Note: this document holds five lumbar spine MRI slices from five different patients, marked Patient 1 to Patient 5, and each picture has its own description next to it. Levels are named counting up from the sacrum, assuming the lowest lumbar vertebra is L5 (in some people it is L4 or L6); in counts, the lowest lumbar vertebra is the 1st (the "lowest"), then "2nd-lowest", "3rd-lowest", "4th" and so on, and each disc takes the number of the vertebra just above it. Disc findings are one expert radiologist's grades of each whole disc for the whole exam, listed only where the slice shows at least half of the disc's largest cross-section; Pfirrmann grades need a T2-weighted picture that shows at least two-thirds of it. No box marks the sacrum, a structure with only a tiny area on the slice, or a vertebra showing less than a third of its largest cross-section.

Patient 1 of 5:
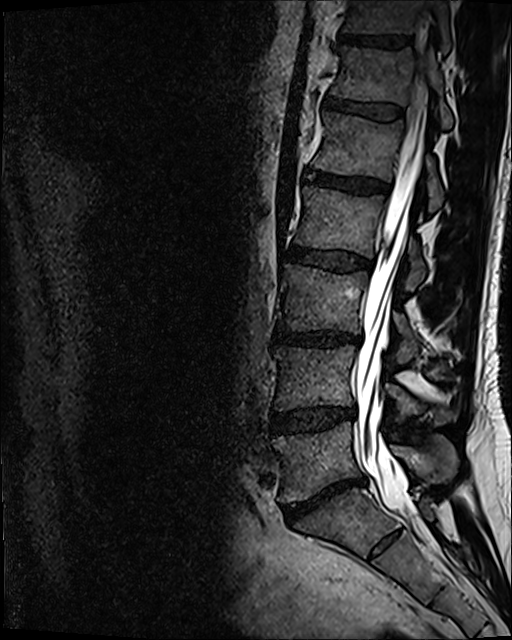

Slice 72 of 120, T2 SPACE (3D) sagittal MRI of the lumbar spine

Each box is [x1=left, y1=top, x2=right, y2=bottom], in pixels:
5th disc at [x1=305, y1=168, x2=390, y2=193], lowest disc at [x1=283, y1=476, x2=365, y2=522], 6th disc at [x1=325, y1=97, x2=404, y2=119], 7th vertebra at [x1=342, y1=0, x2=452, y2=53], 3rd-lowest vertebra at [x1=281, y1=264, x2=417, y2=363], 2nd-lowest vertebra at [x1=273, y1=346, x2=458, y2=423], lowest vertebra at [x1=272, y1=422, x2=457, y2=504], 3rd-lowest disc at [x1=273, y1=331, x2=361, y2=346], 5th vertebra at [x1=313, y1=112, x2=443, y2=212], 6th vertebra at [x1=332, y1=46, x2=453, y2=129], 4th vertebra at [x1=294, y1=187, x2=425, y2=290], 4th disc at [x1=289, y1=247, x2=373, y2=271], 7th disc at [x1=341, y1=33, x2=409, y2=48], 2nd-lowest disc at [x1=270, y1=408, x2=355, y2=432], thecal sac / spinal canal at [x1=356, y1=78, x2=428, y2=538].

Radiological gradings:
- 2nd-lowest disc: Pfirrmann grade 3, disc bulging, disc narrowing
- 7th disc: Pfirrmann grade 4
- lowest disc: Pfirrmann grade 5, disc bulging, Modic type II, disc narrowing
- 4th disc: Pfirrmann grade 3, disc bulging
- 3rd-lowest disc: Pfirrmann grade 4, disc narrowing, disc bulging, lower-endplate change
- 6th disc: Pfirrmann grade 3
- 5th disc: Pfirrmann grade 4

Patient 2 of 5:
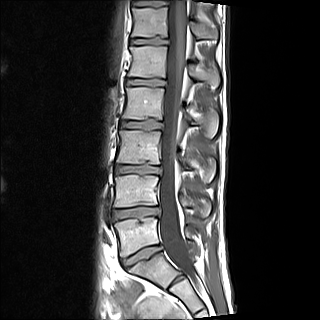 Sex M; Sagittal T1-weighted lumbar spine MRI; Slice 8/15; Slice spacing 4.8 mm; Image 320x320
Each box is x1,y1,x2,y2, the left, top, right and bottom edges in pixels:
{"lowest vertebra": "114,217,190,256", "7th vertebra": "138,0,194,4", "3rd-lowest vertebra": "116,130,215,181", "4th disc": "120,121,162,129", "3rd-lowest disc": "115,165,160,173", "6th vertebra": "131,7,217,38", "7th disc": "135,3,161,5", "6th disc": "130,39,168,44", "4th vertebra": "122,87,218,137", "2nd-lowest disc": "113,207,158,219", "5th vertebra": "128,46,219,86", "lowest disc": "122,245,161,268", "thecal sac / spinal canal": "159,0,198,288", "2nd-lowest vertebra": "114,175,211,216", "5th disc": "127,79,165,86"}

Degenerative findings by level:
- 2nd-lowest disc: lower-endplate change, disc bulging, upper-endplate change
- 4th disc: lower-endplate change
- 3rd-lowest disc: lower-endplate change, disc narrowing, upper-endplate change
- 6th disc: lower-endplate change, upper-endplate change
- 7th disc: upper-endplate change
- lowest disc: upper-endplate change
- 5th disc: no herniation, bulging, narrowing, spondylolisthesis, endplate or Modic change recorded

Patient 3 of 5:
T1-weighted sagittal MRI of the lumbar spine | Field of view 280x280 mm 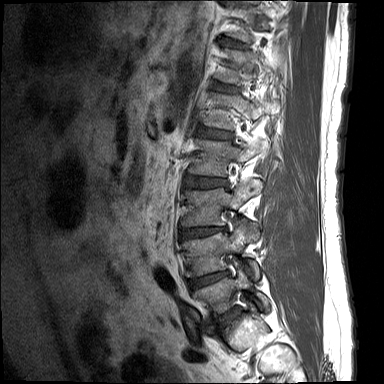
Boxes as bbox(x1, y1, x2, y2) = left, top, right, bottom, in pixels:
{"T11/T12": "bbox(221, 39, 247, 48)", "T12/L1": "bbox(213, 82, 237, 91)", "intervertebral disc L5/S1": "bbox(214, 308, 237, 322)", "L3": "bbox(182, 179, 260, 226)", "L5 vertebra": "bbox(192, 265, 270, 316)", "intervertebral disc L3/L4": "bbox(179, 227, 227, 240)", "L1 vertebra": "bbox(202, 93, 279, 130)", "L2": "bbox(188, 138, 268, 176)", "T12 vertebra": "bbox(215, 49, 283, 85)", "L4 vertebra": "bbox(183, 219, 259, 279)", "intervertebral disc L2/L3": "bbox(185, 176, 228, 187)", "intervertebral disc L1/L2": "bbox(197, 127, 233, 140)", "intervertebral disc L4/L5": "bbox(187, 271, 228, 289)"}

Degenerative findings by level:
  L4/L5: lower-endplate change, disc narrowing, Modic type II, disc bulging, upper-endplate change
  L3/L4: disc bulging, lower-endplate change, disc narrowing, upper-endplate change
  L1/L2: disc bulging, upper-endplate change
  L2/L3: disc bulging
  T12/L1, T11/T12: no spondylolisthesis, narrowing, bulging, herniation, Modic or endplate change recorded

Patient 4 of 5:
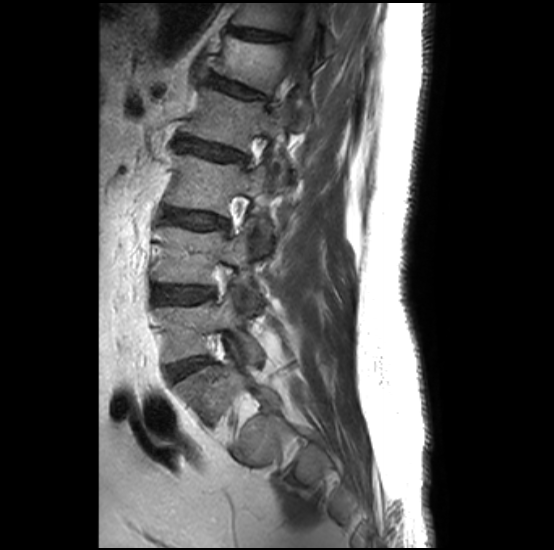 Sagittal T2-weighted lumbar spine MRI, Slice 22/32
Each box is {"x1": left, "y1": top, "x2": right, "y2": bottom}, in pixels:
6th disc: {"x1": 227, "y1": 26, "x2": 289, "y2": 41}
3rd-lowest vertebra: {"x1": 165, "y1": 153, "x2": 271, "y2": 251}
2nd-lowest disc: {"x1": 156, "y1": 286, "x2": 213, "y2": 303}
6th vertebra: {"x1": 232, "y1": 3, "x2": 334, "y2": 55}
4th disc: {"x1": 177, "y1": 137, "x2": 247, "y2": 160}
5th vertebra: {"x1": 214, "y1": 34, "x2": 312, "y2": 125}
lowest vertebra: {"x1": 156, "y1": 288, "x2": 261, "y2": 362}
3rd-lowest disc: {"x1": 167, "y1": 209, "x2": 227, "y2": 229}
lowest disc: {"x1": 168, "y1": 359, "x2": 206, "y2": 381}
4th vertebra: {"x1": 181, "y1": 87, "x2": 289, "y2": 183}
spinal canal: {"x1": 290, "y1": 12, "x2": 312, "y2": 71}
5th disc: {"x1": 209, "y1": 74, "x2": 268, "y2": 99}
2nd-lowest vertebra: {"x1": 157, "y1": 221, "x2": 260, "y2": 314}

Radiological gradings:
  5th disc: lower-endplate change, Modic type II, upper-endplate change
  3rd-lowest disc: Pfirrmann grade 2, lower-endplate change, Modic type II, upper-endplate change
  4th disc: Pfirrmann grade 2, upper-endplate change, lower-endplate change, Modic type II
  2nd-lowest disc: lower-endplate change, upper-endplate change, Modic type II
  6th disc: Pfirrmann grade 2, spondylolisthesis, upper-endplate change

Patient 5 of 5:
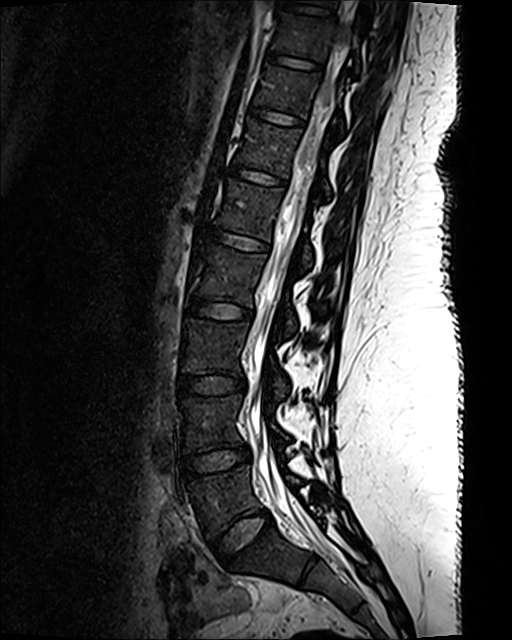 Image 512x640, T2 SPACE (3D) sagittal MRI of the lumbar spine, Patient sex: F
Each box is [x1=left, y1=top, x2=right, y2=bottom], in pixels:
8th vertebra — [x1=271, y1=11, x2=359, y2=72].
Lowest vertebra — [x1=187, y1=465, x2=300, y2=538].
2nd-lowest disc — [x1=183, y1=445, x2=250, y2=478].
Lowest disc — [x1=211, y1=509, x2=273, y2=566].
6th disc — [x1=229, y1=165, x2=284, y2=185].
4th vertebra — [x1=194, y1=246, x2=296, y2=331].
6th vertebra — [x1=235, y1=120, x2=331, y2=199].
3rd-lowest vertebra — [x1=182, y1=318, x2=288, y2=398].
2nd-lowest vertebra — [x1=180, y1=394, x2=290, y2=452].
4th disc — [x1=186, y1=298, x2=252, y2=319].
5th disc — [x1=207, y1=229, x2=268, y2=250].
7th disc — [x1=249, y1=106, x2=302, y2=126].
7th vertebra — [x1=255, y1=65, x2=344, y2=134].
3rd-lowest disc — [x1=178, y1=375, x2=245, y2=396].
8th disc — [x1=266, y1=52, x2=320, y2=69].
Thecal sac / spinal canal — [x1=250, y1=0, x2=357, y2=560].
5th vertebra — [x1=215, y1=180, x2=313, y2=270].

Expert MSK radiologist gradings (per disc):
• 4th disc: Pfirrmann grade 1
• 8th disc: Pfirrmann grade 1
• 6th disc: Pfirrmann grade 1
• lowest disc: Pfirrmann grade 1
• 7th disc: Pfirrmann grade 1
• 2nd-lowest disc: Pfirrmann grade 1
• 5th disc: Pfirrmann grade 1
• 3rd-lowest disc: Pfirrmann grade 1